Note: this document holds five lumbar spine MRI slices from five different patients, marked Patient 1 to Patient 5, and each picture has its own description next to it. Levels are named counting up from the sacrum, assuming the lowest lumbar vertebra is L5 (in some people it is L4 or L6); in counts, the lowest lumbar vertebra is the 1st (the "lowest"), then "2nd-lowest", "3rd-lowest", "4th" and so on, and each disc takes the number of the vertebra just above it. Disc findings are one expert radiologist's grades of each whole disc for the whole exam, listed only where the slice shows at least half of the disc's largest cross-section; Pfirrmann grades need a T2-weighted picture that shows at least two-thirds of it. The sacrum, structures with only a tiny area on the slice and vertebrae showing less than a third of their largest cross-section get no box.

Patient 1 of 5:
Field of view 283x285 mm; Slice 21/33; Sagittal T2-weighted lumbar spine MRI

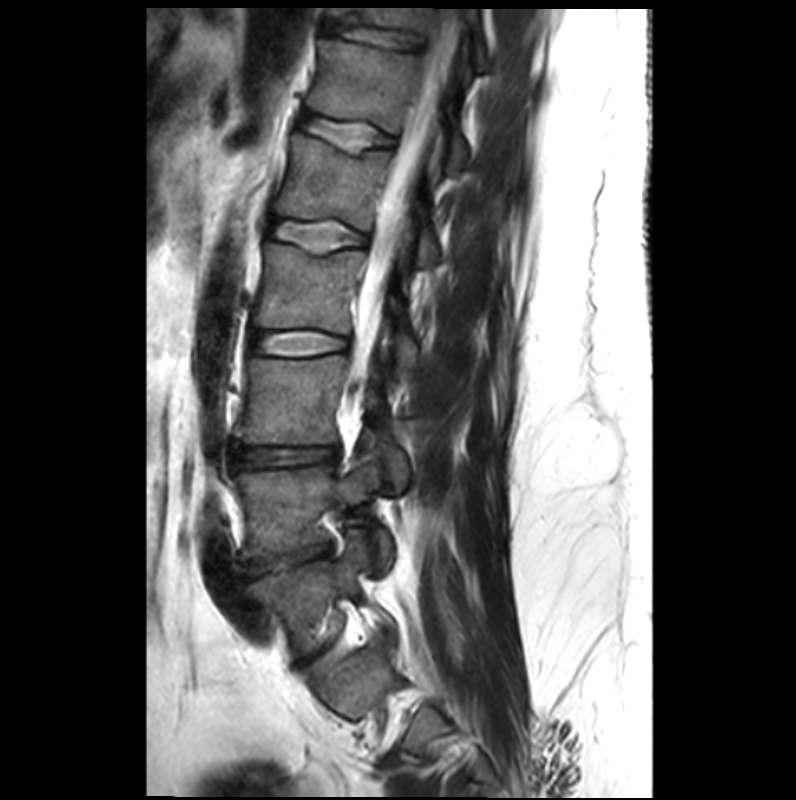

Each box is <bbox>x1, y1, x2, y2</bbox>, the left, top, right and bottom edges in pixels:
L3/L4 at <bbox>234, 446, 338, 466</bbox>.
L2/L3 at <bbox>250, 332, 348, 357</bbox>.
L5/S1 at <bbox>299, 649, 324, 666</bbox>.
Intervertebral disc T11/T12 at <bbox>324, 20, 416, 50</bbox>.
Thecal sac / spinal canal at <bbox>368, 19, 458, 305</bbox>.
L4 vertebra at <bbox>234, 455, 395, 575</bbox>.
L1 vertebra at <bbox>277, 134, 436, 264</bbox>.
L2 vertebra at <bbox>253, 242, 410, 334</bbox>.
T11 at <bbox>329, 8, 486, 70</bbox>.
L4/L5 at <bbox>246, 542, 330, 575</bbox>.
L5 at <bbox>246, 537, 396, 654</bbox>.
T12 at <bbox>304, 38, 470, 171</bbox>.
L1/L2 at <bbox>266, 219, 366, 254</bbox>.
T12/L1 at <bbox>298, 113, 392, 153</bbox>.
L3 at <bbox>235, 352, 407, 488</bbox>.

Degenerative findings by level:
  L1/L2: Pfirrmann grade 2, upper-endplate change, lower-endplate change
  L2/L3: Pfirrmann grade 2
  T11/T12: Pfirrmann grade 2, lower-endplate change
  L4/L5: spondylolisthesis, lower-endplate change, upper-endplate change, disc herniation, disc narrowing, Modic type III
  T12/L1: Pfirrmann grade 2, lower-endplate change, upper-endplate change
  L3/L4: Pfirrmann grade 2

Patient 2 of 5:
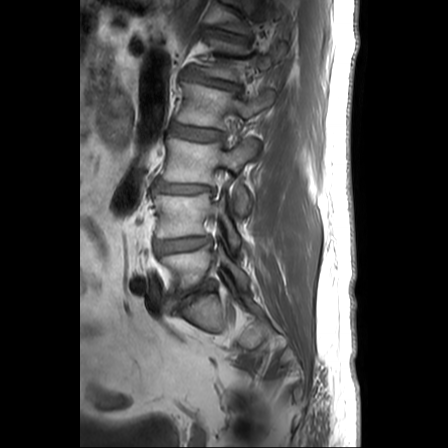
Field of view 280x280 mm, slice spacing 3.3 mm. Image 448x448. Slice 18 of 25. Patient sex: M. Lumbar spine MR, T1-weighted, sagittal.

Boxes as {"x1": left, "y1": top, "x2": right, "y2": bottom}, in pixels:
Structures:
* 2nd-lowest disc = {"x1": 154, "y1": 237, "x2": 209, "y2": 254}
* 2nd-lowest vertebra = {"x1": 153, "y1": 193, "x2": 240, "y2": 247}
* 4th disc = {"x1": 172, "y1": 125, "x2": 221, "y2": 140}
* 4th vertebra = {"x1": 176, "y1": 82, "x2": 274, "y2": 129}
* 6th vertebra = {"x1": 218, "y1": 0, "x2": 285, "y2": 33}
* 3rd-lowest vertebra = {"x1": 162, "y1": 137, "x2": 257, "y2": 214}
* 5th disc = {"x1": 188, "y1": 73, "x2": 239, "y2": 90}
* 5th vertebra = {"x1": 199, "y1": 39, "x2": 285, "y2": 80}
* 6th disc = {"x1": 205, "y1": 29, "x2": 248, "y2": 41}
* 3rd-lowest disc = {"x1": 155, "y1": 181, "x2": 212, "y2": 193}
* lowest vertebra = {"x1": 160, "y1": 245, "x2": 248, "y2": 295}
* lowest disc = {"x1": 168, "y1": 279, "x2": 217, "y2": 311}

Degenerative findings by level:
  6th disc: disc bulging, disc narrowing
  lowest disc: disc narrowing, disc bulging
  5th disc: disc narrowing, disc bulging
  3rd-lowest disc: disc narrowing, disc herniation
  2nd-lowest disc: disc bulging
  4th disc: no spondylolisthesis, narrowing, bulging, herniation, Modic or endplate change recorded

Patient 3 of 5:
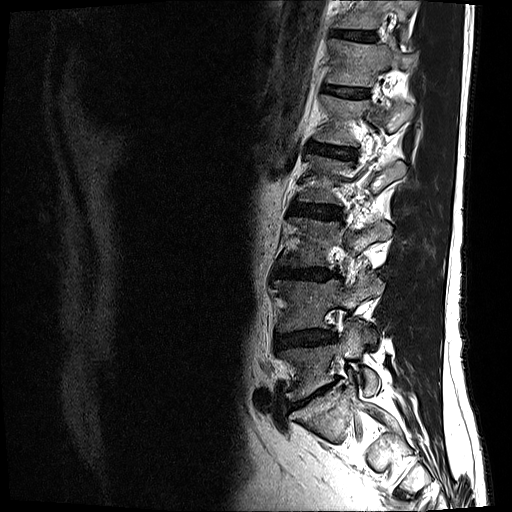
Lumbar spine MR, T2-weighted, sagittal

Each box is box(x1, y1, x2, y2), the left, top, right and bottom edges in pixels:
- L1: box(314, 95, 413, 145)
- L5 vertebra: box(278, 324, 379, 400)
- IVD L5/S1: box(287, 384, 333, 410)
- L2: box(297, 154, 407, 204)
- IVD T11/T12: box(331, 30, 377, 41)
- L4: box(273, 272, 383, 340)
- L3: box(280, 217, 392, 269)
- L1/L2: box(308, 142, 355, 158)
- IVD T12/L1: box(323, 85, 369, 98)
- IVD L2/L3: box(289, 203, 342, 218)
- T12 vertebra: box(326, 38, 414, 86)
- L4/L5: box(274, 330, 336, 348)
- L3/L4: box(275, 268, 339, 279)
- T11 vertebra: box(333, 0, 417, 29)

Per-level radiological findings:
- L1/L2: Pfirrmann grade 4
- L3/L4: Pfirrmann grade 4, disc bulging, disc narrowing, lower-endplate change
- T11/T12: Pfirrmann grade 4
- T12/L1: Pfirrmann grade 3
- L2/L3: Pfirrmann grade 3, disc bulging
- L4/L5: Pfirrmann grade 3, disc bulging, disc narrowing

Patient 4 of 5:
Field of view 280x280 mm. Slice 20/24. MRI lumbar spine (T2-weighted), sagittal plane. Patient sex: F. 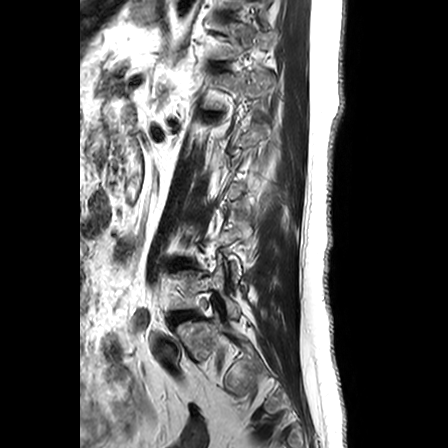

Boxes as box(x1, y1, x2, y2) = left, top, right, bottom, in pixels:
Disc L5/S1 at box(170, 313, 185, 322); L5 at box(171, 256, 239, 318); L1 vertebra at box(205, 72, 273, 109); T12 at box(212, 23, 272, 60).

Patient 5 of 5:
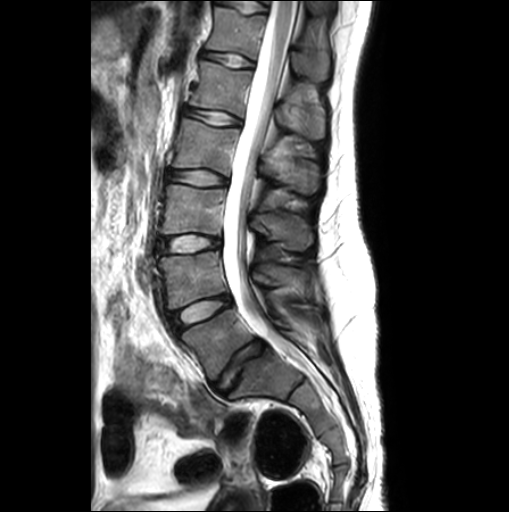

Slice 13 of 26; MRI lumbar spine (T2-weighted), sagittal plane; Image 509x512; Field of view 280x281 mm, slice spacing 3.3 mm; Patient sex: F
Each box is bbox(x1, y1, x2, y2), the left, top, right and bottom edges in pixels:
L1 (5th vertebra) at bbox(190, 61, 324, 143); L2/L3 (4th disc) at bbox(165, 168, 228, 185); L3 (3rd-lowest vertebra) at bbox(161, 184, 312, 249); L2 (4th vertebra) at bbox(172, 118, 320, 195); L1/L2 (5th disc) at bbox(184, 108, 240, 125); T12 (6th vertebra) at bbox(207, 6, 330, 82); disc T12/L1 (6th disc) at bbox(201, 51, 254, 67); L5 (lowest vertebra) at bbox(182, 309, 317, 379); L5/S1 (lowest disc) at bbox(214, 340, 265, 393); disc L3/L4 (3rd-lowest disc) at bbox(155, 235, 220, 258); L4 (2nd-lowest vertebra) at bbox(158, 251, 309, 308); spinal canal at bbox(223, 1, 297, 337); L4/L5 (2nd-lowest disc) at bbox(171, 295, 230, 332).

Degenerative findings by level:
• L4/L5 (2nd-lowest disc): Pfirrmann grade 1, disc bulging
• L3/L4 (3rd-lowest disc): Pfirrmann grade 1, disc bulging
• T12/L1 (6th disc): Pfirrmann grade 1
• L5/S1 (lowest disc): Pfirrmann grade 3, upper-endplate change, disc bulging, lower-endplate change
• L1/L2 (5th disc): Pfirrmann grade 1
• L2/L3 (4th disc): Pfirrmann grade 1